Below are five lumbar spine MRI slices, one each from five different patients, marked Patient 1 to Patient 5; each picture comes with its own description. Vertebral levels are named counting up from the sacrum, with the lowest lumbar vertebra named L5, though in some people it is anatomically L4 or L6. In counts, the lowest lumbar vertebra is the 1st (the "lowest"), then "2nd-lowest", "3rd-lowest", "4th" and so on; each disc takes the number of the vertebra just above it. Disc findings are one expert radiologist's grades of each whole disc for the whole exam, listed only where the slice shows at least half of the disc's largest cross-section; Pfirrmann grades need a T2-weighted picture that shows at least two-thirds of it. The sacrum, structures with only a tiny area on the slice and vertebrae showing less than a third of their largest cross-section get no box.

Patient 1 of 5:
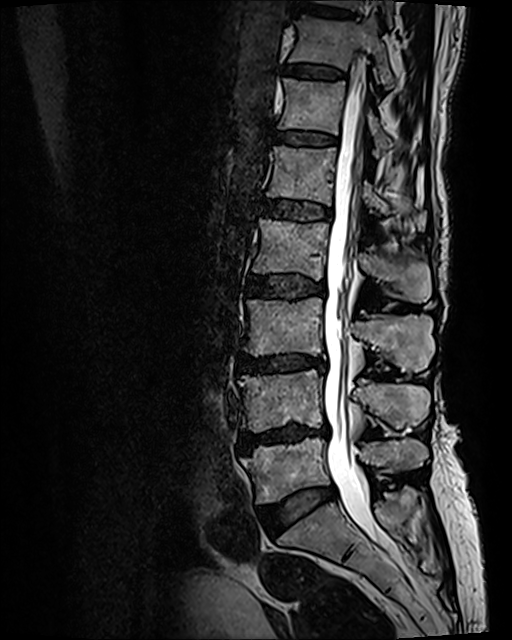
Sagittal T2 SPACE (3D) lumbar spine MRI
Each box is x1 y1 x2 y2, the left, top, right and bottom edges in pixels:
{"L4": "238 369 429 431", "L3 vertebra": "242 297 434 372", "T11": "288 15 394 90", "T10/T11": "301 5 350 17", "L5": "241 437 427 503", "thecal sac / spinal canal": "323 77 379 543", "intervertebral disc T12/L1": "275 131 337 145", "L5/S1": "259 488 335 531", "L2": "252 218 430 303", "intervertebral disc L3/L4": "238 354 326 372", "L2/L3": "251 273 325 298", "T12": "277 78 422 156", "intervertebral disc L4/L5": "240 425 329 450", "L1 vertebra": "267 145 425 229", "T11/T12": "286 65 344 78", "L1/L2": "261 200 331 220"}

Radiological gradings:
  L4/L5: Pfirrmann grade 4, lower-endplate change, Modic type II, disc bulging, upper-endplate change, disc narrowing
  L3/L4: Pfirrmann grade 4, Modic type II, disc narrowing, lower-endplate change, disc bulging, upper-endplate change
  T10/T11: upper-endplate change, lower-endplate change
  T11/T12: Pfirrmann grade 2, Modic type II, lower-endplate change, upper-endplate change
  L5/S1: Pfirrmann grade 2, disc bulging
  T12/L1: Pfirrmann grade 2, Modic type II, lower-endplate change, upper-endplate change
  L2/L3: Pfirrmann grade 3, Modic type II, lower-endplate change, upper-endplate change, disc bulging
  L1/L2: Pfirrmann grade 3, upper-endplate change, lower-endplate change, Modic type II

Patient 2 of 5:
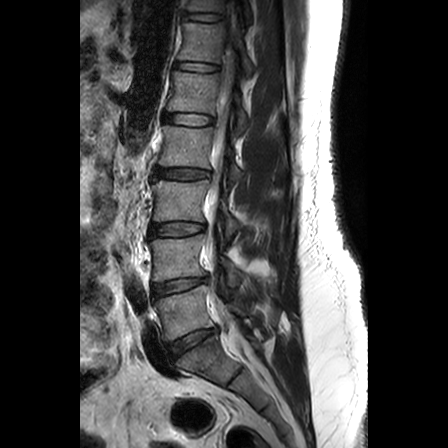 Sagittal slice index 14; T2-weighted sagittal MRI of the lumbar spine

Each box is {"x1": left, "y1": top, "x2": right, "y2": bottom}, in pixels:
7th vertebra: {"x1": 188, "y1": 0, "x2": 250, "y2": 17}
6th disc: {"x1": 175, "y1": 62, "x2": 218, "y2": 71}
2nd-lowest vertebra: {"x1": 149, "y1": 234, "x2": 241, "y2": 286}
7th disc: {"x1": 185, "y1": 12, "x2": 222, "y2": 21}
thecal sac / spinal canal: {"x1": 204, "y1": 29, "x2": 234, "y2": 332}
lowest disc: {"x1": 168, "y1": 327, "x2": 217, "y2": 358}
5th vertebra: {"x1": 167, "y1": 71, "x2": 248, "y2": 133}
5th disc: {"x1": 164, "y1": 113, "x2": 213, "y2": 125}
3rd-lowest vertebra: {"x1": 152, "y1": 180, "x2": 239, "y2": 234}
2nd-lowest disc: {"x1": 152, "y1": 278, "x2": 205, "y2": 297}
lowest vertebra: {"x1": 154, "y1": 285, "x2": 247, "y2": 340}
4th vertebra: {"x1": 158, "y1": 125, "x2": 242, "y2": 182}
3rd-lowest disc: {"x1": 150, "y1": 223, "x2": 204, "y2": 236}
6th vertebra: {"x1": 177, "y1": 22, "x2": 253, "y2": 76}
4th disc: {"x1": 154, "y1": 168, "x2": 209, "y2": 179}

Radiological gradings:
• 4th disc: Pfirrmann grade 2, disc bulging
• 7th disc: Pfirrmann grade 1
• lowest disc: Pfirrmann grade 3, disc bulging
• 2nd-lowest disc: Pfirrmann grade 2
• 6th disc: Pfirrmann grade 1
• 5th disc: Pfirrmann grade 1
• 3rd-lowest disc: Pfirrmann grade 2

Patient 3 of 5:
Image 768x785. MRI lumbar spine (T2-weighted), sagittal plane. Sagittal slice index 16.
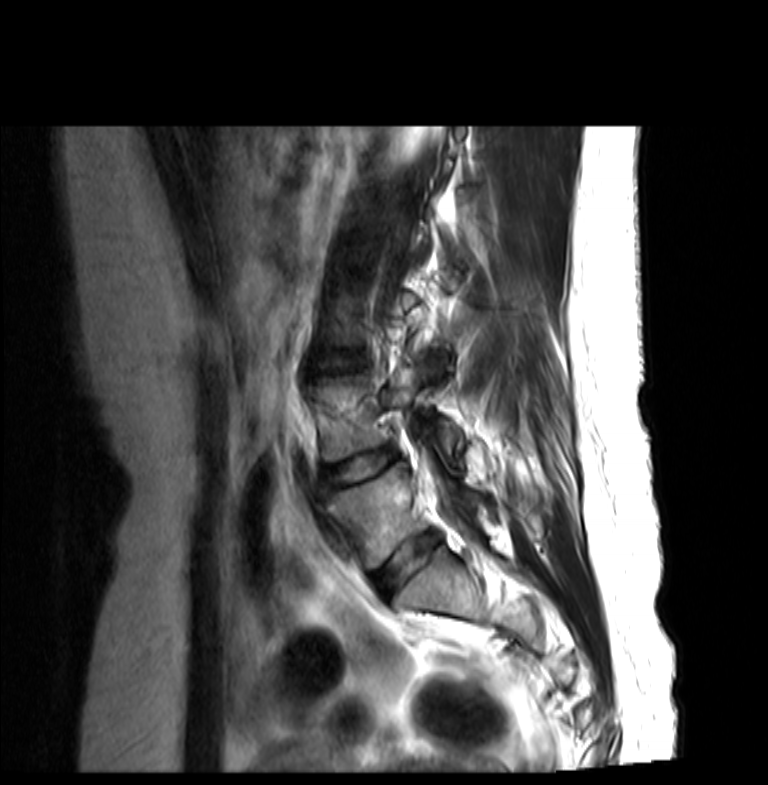 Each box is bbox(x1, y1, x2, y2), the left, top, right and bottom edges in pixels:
Annotations:
* 2nd-lowest disc: bbox(323, 447, 398, 489)
* lowest vertebra: bbox(329, 465, 480, 570)
* lowest disc: bbox(374, 533, 439, 598)
* 2nd-lowest vertebra: bbox(319, 366, 463, 461)
* 3rd-lowest disc: bbox(316, 361, 346, 370)

Degenerative findings by level:
  lowest disc: Pfirrmann grade 3, disc bulging
  2nd-lowest disc: Pfirrmann grade 3, disc herniation

Patient 4 of 5:
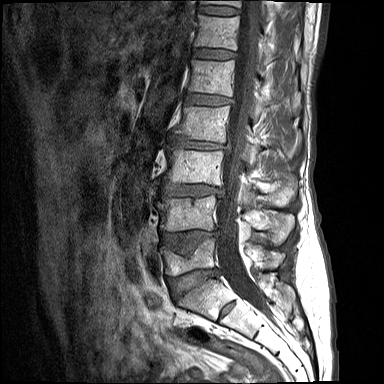

MRI lumbar spine (T1-weighted), sagittal plane

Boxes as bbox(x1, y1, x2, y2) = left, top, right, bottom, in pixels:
L3 (3rd-lowest vertebra) at bbox(164, 147, 297, 206); L5/S1 (lowest disc) at bbox(167, 268, 219, 297); L1 (5th vertebra) at bbox(187, 59, 300, 114); disc L3/L4 (3rd-lowest disc) at bbox(165, 184, 223, 196); disc L1/L2 (5th disc) at bbox(184, 92, 233, 105); T11 (7th vertebra) at bbox(200, 0, 276, 18); T12/L1 (6th disc) at bbox(192, 48, 236, 59); disc T11/T12 (7th disc) at bbox(197, 5, 239, 16); L2/L3 (4th disc) at bbox(172, 137, 227, 150); L5 (lowest vertebra) at bbox(160, 238, 284, 275); L2 (4th vertebra) at bbox(174, 106, 261, 159); L4 (2nd-lowest vertebra) at bbox(157, 195, 293, 240); spinal canal at bbox(217, 0, 275, 323); disc L4/L5 (2nd-lowest disc) at bbox(160, 230, 215, 254); T12 (6th vertebra) at bbox(194, 14, 274, 63).

Expert MSK radiologist gradings (per disc):
  L1/L2 (5th disc): lower-endplate change, upper-endplate change, disc bulging
  T12/L1 (6th disc): upper-endplate change, lower-endplate change
  L4/L5 (2nd-lowest disc): disc bulging, lower-endplate change, upper-endplate change
  L2/L3 (4th disc): upper-endplate change, lower-endplate change, disc narrowing, disc bulging
  L5/S1 (lowest disc): lower-endplate change, upper-endplate change, disc narrowing, disc bulging
  L3/L4 (3rd-lowest disc): disc bulging, upper-endplate change, lower-endplate change
  T11/T12 (7th disc): no Modic or endplate change, herniation, narrowing, bulging or spondylolisthesis recorded

Patient 5 of 5:
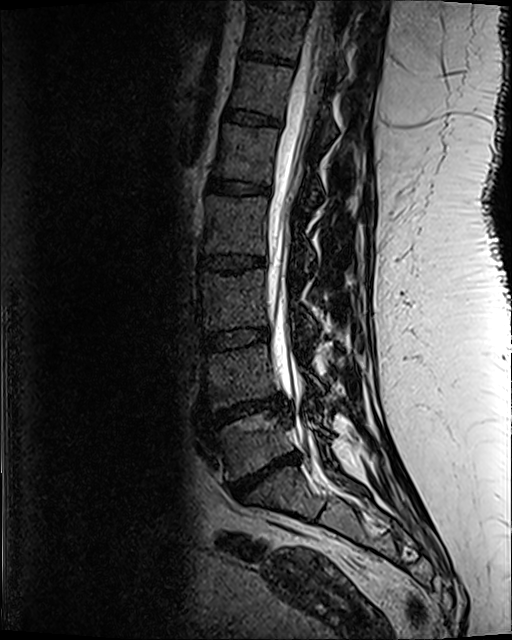

Sagittal slice index 53 | 512x640 px | Patient sex: F | MRI lumbar spine (T2 SPACE (3D)), sagittal plane

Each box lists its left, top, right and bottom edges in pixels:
Structures:
• IVD T11/T12: left=242, top=51, right=282, bottom=62
• T12: left=231, top=63, right=334, bottom=141
• IVD L2/L3: left=199, top=256, right=265, bottom=271
• T11: left=247, top=7, right=343, bottom=78
• L2: left=205, top=196, right=314, bottom=272
• L3: left=202, top=270, right=316, bottom=340
• thecal sac / spinal canal: left=265, top=1, right=331, bottom=453
• L3/L4: left=204, top=329, right=269, bottom=350
• IVD T12/L1: left=225, top=110, right=280, bottom=126
• IVD L5/S1: left=231, top=452, right=297, bottom=499
• L4 vertebra: left=206, top=345, right=323, bottom=407
• L5: left=214, top=411, right=328, bottom=478
• L1: left=214, top=124, right=319, bottom=210
• IVD T10/T11: left=260, top=0, right=311, bottom=8
• L1/L2: left=208, top=179, right=269, bottom=194
• L4/L5: left=207, top=398, right=288, bottom=424

Per-level radiological findings:
• T12/L1: Pfirrmann grade 3
• L2/L3: Pfirrmann grade 3, lower-endplate change, upper-endplate change
• T11/T12: lower-endplate change
• L3/L4: Pfirrmann grade 3
• L1/L2: Pfirrmann grade 3, lower-endplate change
• L5/S1: Pfirrmann grade 5, disc narrowing, upper-endplate change, Modic type II, disc herniation, lower-endplate change
• L4/L5: Pfirrmann grade 5, lower-endplate change, upper-endplate change, disc narrowing, Modic type II, disc herniation